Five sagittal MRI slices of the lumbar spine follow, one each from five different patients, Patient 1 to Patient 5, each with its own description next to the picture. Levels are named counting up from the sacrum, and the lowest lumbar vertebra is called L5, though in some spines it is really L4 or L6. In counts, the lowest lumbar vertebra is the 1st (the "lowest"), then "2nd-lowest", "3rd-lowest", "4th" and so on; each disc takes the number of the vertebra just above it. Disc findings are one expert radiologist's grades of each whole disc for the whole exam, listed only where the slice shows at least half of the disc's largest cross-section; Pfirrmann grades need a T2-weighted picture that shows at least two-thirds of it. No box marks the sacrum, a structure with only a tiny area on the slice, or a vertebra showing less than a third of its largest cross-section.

Patient 1 of 5:
T2-weighted sagittal MRI of the lumbar spine, Sagittal slice index 13, 591x598 px
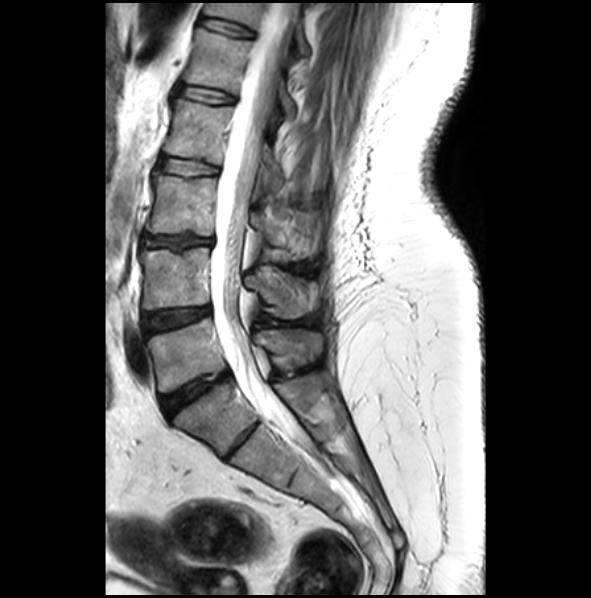 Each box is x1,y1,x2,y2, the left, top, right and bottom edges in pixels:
L3/L4 (3rd-lowest disc) at 141,234,211,247 | L3 (3rd-lowest vertebra) at 146,172,318,257 | intervertebral disc L5/S1 (lowest disc) at 161,369,231,416 | L2/L3 (4th disc) at 158,156,217,174 | L5 (lowest vertebra) at 148,318,322,392 | T12/L1 (6th disc) at 199,18,252,36 | L1 (5th vertebra) at 185,28,295,117 | T12 (6th vertebra) at 205,2,308,53 | L2 (4th vertebra) at 164,99,283,186 | L4 (2nd-lowest vertebra) at 140,247,308,318 | intervertebral disc L1/L2 (5th disc) at 177,84,233,103 | L4/L5 (2nd-lowest disc) at 141,307,209,334 | spinal canal at 211,2,297,439

Radiological gradings:
  L4/L5 (2nd-lowest disc): Pfirrmann grade 3, disc bulging
  L5/S1 (lowest disc): Pfirrmann grade 4, upper-endplate change, disc bulging, lower-endplate change
  T12/L1 (6th disc): Pfirrmann grade 2
  L3/L4 (3rd-lowest disc): Pfirrmann grade 3, disc narrowing, disc bulging, Modic type II, upper-endplate change, lower-endplate change
  L2/L3 (4th disc): Pfirrmann grade 2
  L1/L2 (5th disc): Pfirrmann grade 2

Patient 2 of 5:
Image 320x320. T2-weighted sagittal MRI of the lumbar spine.

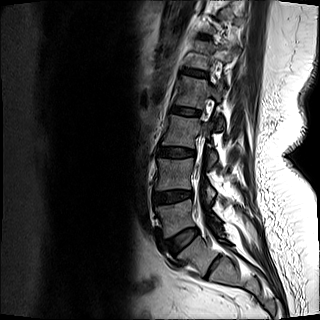

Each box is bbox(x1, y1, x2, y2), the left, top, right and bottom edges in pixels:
4th vertebra at bbox(176, 76, 224, 130); 3rd-lowest vertebra at bbox(162, 115, 216, 168); 2nd-lowest disc at bbox(154, 190, 192, 203); 4th disc at bbox(172, 106, 199, 115); 2nd-lowest vertebra at bbox(156, 158, 215, 203); 5th disc at bbox(185, 69, 207, 77); lowest vertebra at bbox(155, 199, 221, 237); lowest disc at bbox(165, 227, 198, 253); 3rd-lowest disc at bbox(159, 147, 195, 157); spinal canal at bbox(195, 148, 202, 208); 5th vertebra at bbox(187, 43, 231, 69).

Per-level radiological findings:
• 2nd-lowest disc: Pfirrmann grade 3, disc narrowing, disc bulging, Modic type II
• lowest disc: Pfirrmann grade 2
• 3rd-lowest disc: Pfirrmann grade 2, lower-endplate change
• 5th disc: Pfirrmann grade 2
• 4th disc: Pfirrmann grade 2

Patient 3 of 5:
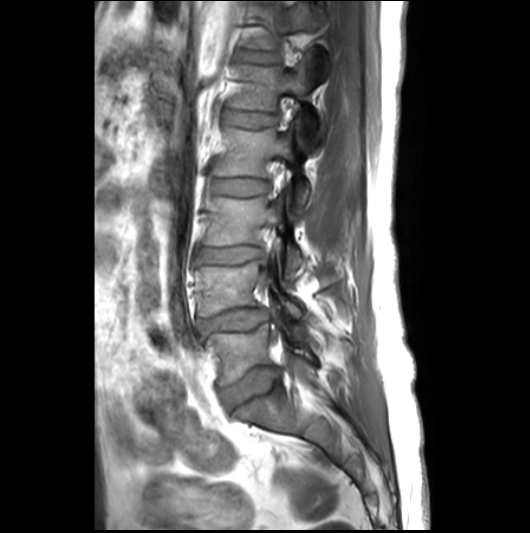 Lumbar spine MR, T1-weighted, sagittal
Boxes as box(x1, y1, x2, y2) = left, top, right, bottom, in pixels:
Structures:
- L1 vertebra — box(229, 53, 323, 151)
- L3 — box(203, 188, 303, 275)
- intervertebral disc L2/L3 — box(213, 179, 268, 196)
- L3/L4 — box(199, 246, 264, 263)
- L4 — box(196, 250, 303, 319)
- intervertebral disc L1/L2 — box(225, 111, 276, 127)
- T12 vertebra — box(249, 3, 329, 79)
- L5 — box(206, 324, 316, 385)
- intervertebral disc L4/L5 — box(199, 308, 270, 333)
- L2 — box(214, 120, 309, 209)
- intervertebral disc L5/S1 — box(221, 367, 280, 410)
- T12/L1 — box(239, 50, 278, 63)

Per-level radiological findings:
  L5/S1: disc bulging
  L4/L5: Modic type II, disc narrowing, disc herniation, disc bulging
  L3/L4: disc bulging, upper-endplate change
  L1/L2, L2/L3: no herniation, bulging, narrowing, spondylolisthesis, endplate or Modic change recorded

Patient 4 of 5:
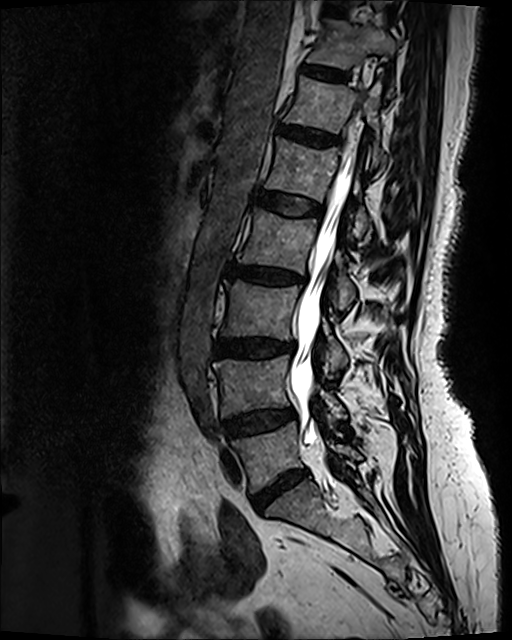

MRI lumbar spine (T2 SPACE (3D)), sagittal plane, Sex F

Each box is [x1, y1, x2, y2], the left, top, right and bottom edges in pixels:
L4/L5 — [224, 408, 295, 438] | L5 — [232, 422, 362, 492] | L5/S1 — [255, 472, 303, 510] | L3 vertebra — [221, 281, 347, 372] | T11 — [307, 22, 395, 67] | IVD T10/T11 — [325, 7, 346, 17] | L3/L4 — [214, 339, 295, 355] | IVD T11/T12 — [303, 64, 346, 81] | L2/L3 — [228, 266, 302, 284] | spinal canal — [289, 145, 356, 446] | T12/L1 — [277, 125, 337, 146] | L1/L2 — [253, 191, 322, 216] | T12 vertebra — [284, 77, 384, 166] | L4 — [213, 355, 345, 421] | L2 — [237, 208, 355, 309] | L1 vertebra — [265, 138, 369, 238]

Expert MSK radiologist gradings (per disc):
• L5/S1: disc bulging, disc narrowing
• L1/L2: Pfirrmann grade 2
• T12/L1: Pfirrmann grade 3, disc bulging
• L2/L3: Pfirrmann grade 4, lower-endplate change, disc bulging, disc narrowing, upper-endplate change, Modic type II
• L3/L4: Pfirrmann grade 4, lower-endplate change, disc bulging, disc narrowing, upper-endplate change, Modic type II
• L4/L5: Pfirrmann grade 3, disc bulging
• T11/T12: no spondylolisthesis, narrowing, bulging, herniation, Modic or endplate change recorded

Patient 5 of 5:
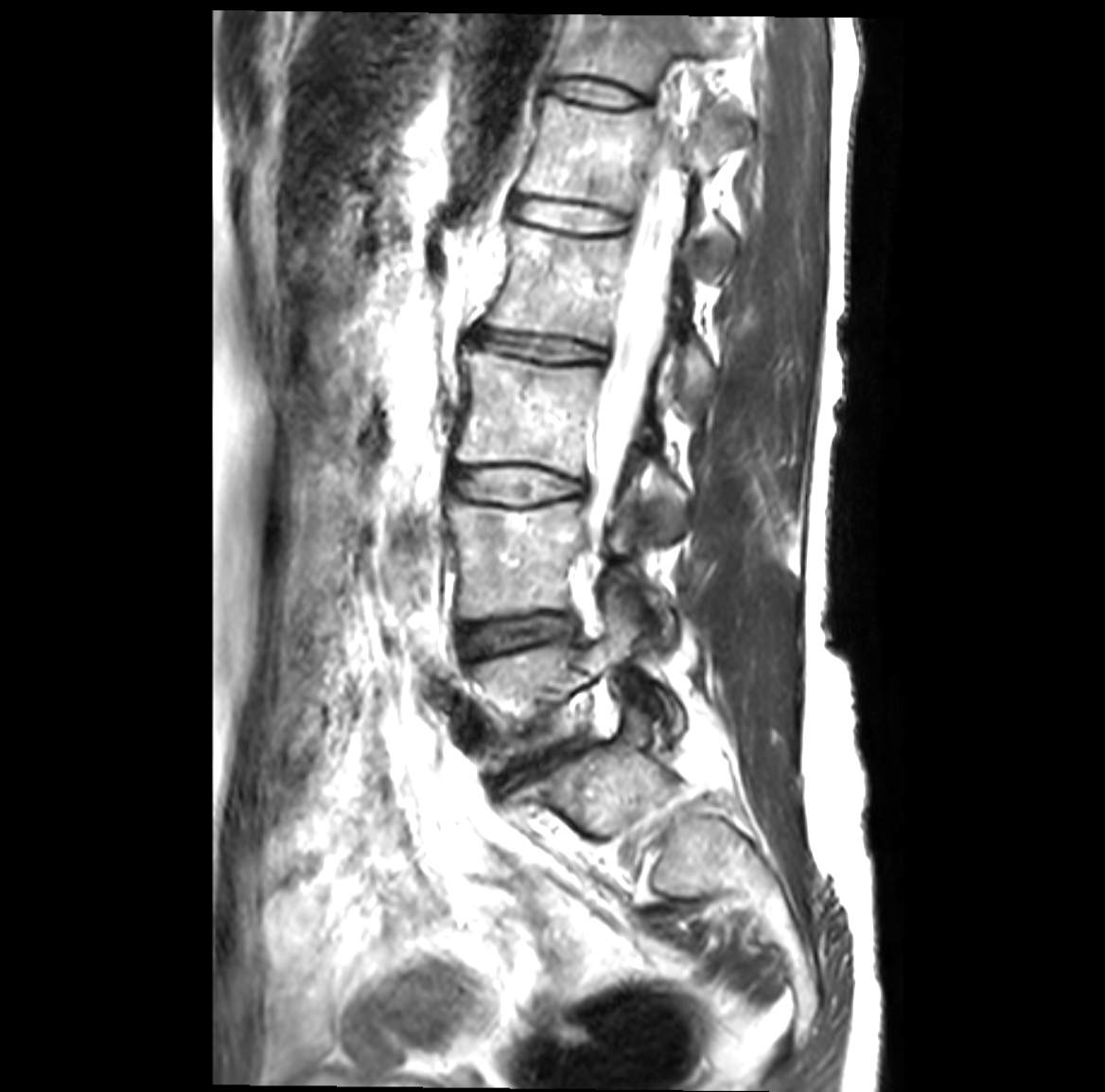
1105x1092 px, T2-weighted sagittal MRI of the lumbar spine, Patient sex: F, Slice 25 of 41
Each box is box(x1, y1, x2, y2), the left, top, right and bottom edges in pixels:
5th disc: box(516, 198, 625, 232)
4th vertebra: box(487, 224, 713, 396)
6th vertebra: box(558, 15, 742, 136)
4th disc: box(474, 329, 605, 361)
5th vertebra: box(519, 96, 732, 270)
2nd-lowest disc: box(463, 616, 571, 649)
lowest vertebra: box(471, 601, 678, 769)
3rd-lowest disc: box(455, 467, 581, 502)
3rd-lowest vertebra: box(456, 344, 687, 532)
2nd-lowest vertebra: box(448, 500, 672, 631)
6th disc: box(553, 79, 642, 110)
thecal sac / spinal canal: box(590, 126, 684, 547)
lowest disc: box(509, 744, 576, 780)

Per-level radiological findings:
- 4th disc: Pfirrmann grade 3, disc narrowing, Modic type II, disc bulging
- 6th disc: Pfirrmann grade 1
- 2nd-lowest disc: disc bulging, Modic type II
- 5th disc: Pfirrmann grade 1
- 3rd-lowest disc: Pfirrmann grade 3, Modic type II, disc bulging